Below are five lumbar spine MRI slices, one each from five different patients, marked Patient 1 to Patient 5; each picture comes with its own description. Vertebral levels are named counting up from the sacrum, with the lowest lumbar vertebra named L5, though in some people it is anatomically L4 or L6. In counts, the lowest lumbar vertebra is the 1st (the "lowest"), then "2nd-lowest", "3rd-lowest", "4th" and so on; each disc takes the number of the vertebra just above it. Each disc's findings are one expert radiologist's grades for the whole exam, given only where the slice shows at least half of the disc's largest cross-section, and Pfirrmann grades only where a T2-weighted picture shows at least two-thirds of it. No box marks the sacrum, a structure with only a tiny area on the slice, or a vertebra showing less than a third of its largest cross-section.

Patient 1 of 5:
Slice spacing 3.3 mm | Sex F | Lumbar spine MR, T1-weighted, sagittal
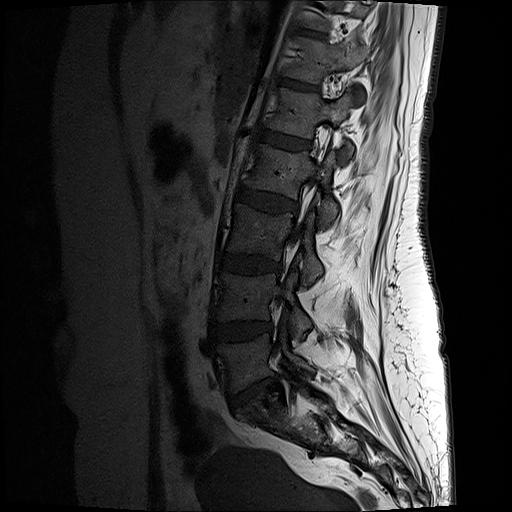
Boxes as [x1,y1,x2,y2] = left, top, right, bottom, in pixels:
Structures:
* IVD T11/T12 at [301,29,326,37]
* L4 vertebra at [218,272,310,340]
* T12 vertebra at [285,38,369,82]
* L3 vertebra at [229,204,321,285]
* IVD L2/L3 at [237,187,293,210]
* IVD L1/L2 at [258,129,310,149]
* L5 at [218,327,314,392]
* L2 vertebra at [246,144,339,223]
* L1 vertebra at [268,88,353,154]
* IVD L4/L5 at [218,322,271,340]
* T12/L1 at [281,78,318,90]
* IVD L5/S1 at [241,378,277,398]
* L3/L4 at [222,254,280,272]

Degenerative findings by level:
  L4/L5: disc bulging
  L2/L3: disc bulging
  L3/L4, L1/L2: no Modic or endplate change, herniation, narrowing, bulging or spondylolisthesis recorded

Patient 2 of 5:
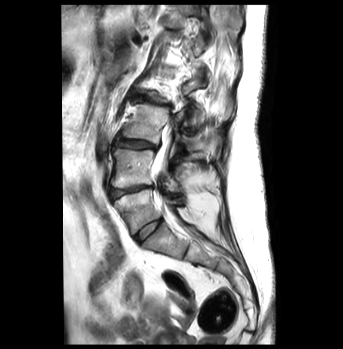 Slice 23/43; T2-weighted sagittal MRI of the lumbar spine

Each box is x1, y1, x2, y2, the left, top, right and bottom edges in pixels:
L2 (4th vertebra) = 139, 69, 232, 125.
L3 (3rd-lowest vertebra) = 121, 105, 221, 153.
Thecal sac / spinal canal = 155, 133, 171, 208.
L4/L5 (2nd-lowest disc) = 109, 186, 153, 200.
L2/L3 (4th disc) = 130, 90, 170, 106.
L5 (lowest vertebra) = 114, 190, 181, 234.
Disc L5/S1 (lowest disc) = 134, 219, 162, 241.
Disc L3/L4 (3rd-lowest disc) = 113, 135, 156, 149.
T12 (6th vertebra) = 164, 5, 214, 35.
L4 (2nd-lowest vertebra) = 111, 148, 178, 191.

Per-level radiological findings:
  L4/L5 (2nd-lowest disc): disc bulging, disc narrowing, Modic type II, lower-endplate change
  L2/L3 (4th disc): Pfirrmann grade 4, Modic type II, disc bulging, lower-endplate change, disc narrowing
  L5/S1 (lowest disc): Pfirrmann grade 1
  L3/L4 (3rd-lowest disc): Pfirrmann grade 3, Modic type II, disc bulging

Patient 3 of 5:
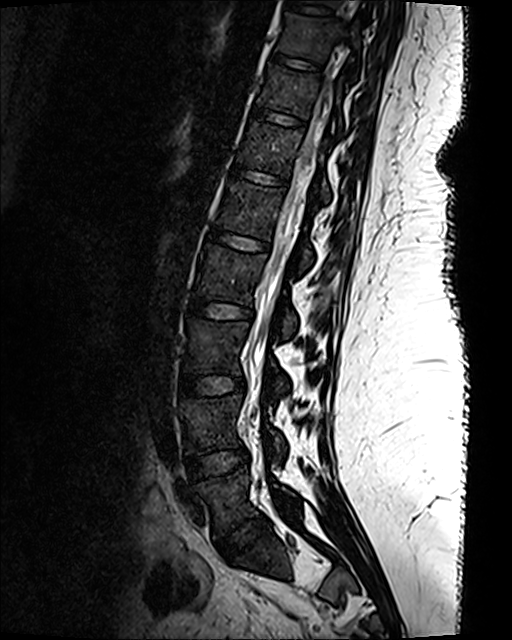

Image 512x640, T2 SPACE (3D) sagittal MRI of the lumbar spine
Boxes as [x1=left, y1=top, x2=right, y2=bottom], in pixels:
lowest disc: [x1=219, y1=515, x2=268, y2=558]
3rd-lowest disc: [x1=180, y1=374, x2=245, y2=396]
5th disc: [x1=211, y1=229, x2=267, y2=250]
lowest vertebra: [x1=194, y1=467, x2=299, y2=533]
7th disc: [x1=253, y1=107, x2=303, y2=126]
4th vertebra: [x1=196, y1=244, x2=296, y2=339]
2nd-lowest vertebra: [x1=180, y1=395, x2=286, y2=461]
thecal sac / spinal canal: [x1=254, y1=26, x2=347, y2=385]
6th disc: [x1=233, y1=165, x2=286, y2=185]
5th vertebra: [x1=217, y1=180, x2=313, y2=272]
8th vertebra: [x1=279, y1=12, x2=360, y2=71]
6th vertebra: [x1=239, y1=121, x2=329, y2=203]
7th vertebra: [x1=260, y1=65, x2=344, y2=136]
3rd-lowest vertebra: [x1=183, y1=320, x2=288, y2=397]
4th disc: [x1=190, y1=298, x2=252, y2=319]
2nd-lowest disc: [x1=187, y1=447, x2=249, y2=479]
8th disc: [x1=272, y1=52, x2=320, y2=72]

Expert MSK radiologist gradings (per disc):
  5th disc: Pfirrmann grade 1
  8th disc: Pfirrmann grade 1
  7th disc: Pfirrmann grade 1
  4th disc: Pfirrmann grade 1
  2nd-lowest disc: Pfirrmann grade 1
  6th disc: Pfirrmann grade 1
  3rd-lowest disc: Pfirrmann grade 1
  lowest disc: no herniation, bulging, narrowing, spondylolisthesis, endplate or Modic change recorded

Patient 4 of 5:
Lumbar spine MR, T2 SPACE (3D), sagittal. 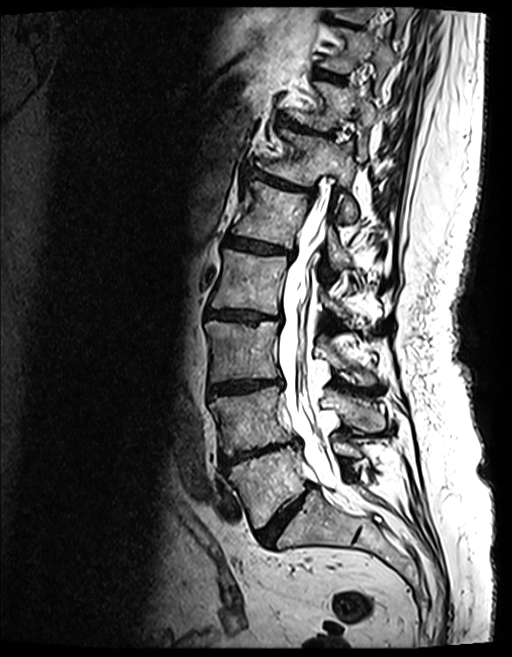 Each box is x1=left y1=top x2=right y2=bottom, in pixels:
L2/L3 (4th disc) — x1=206 y1=307 x2=282 y2=323 | L1 (5th vertebra) — x1=231 y1=181 x2=349 y2=271 | T10 (8th vertebra) — x1=323 y1=28 x2=396 y2=75 | L4 (2nd-lowest vertebra) — x1=210 y1=387 x2=382 y2=456 | intervertebral disc T9/T10 (9th disc) — x1=336 y1=20 x2=355 y2=27 | L3/L4 (3rd-lowest disc) — x1=209 y1=378 x2=281 y2=395 | intervertebral disc T12/L1 (6th disc) — x1=249 y1=170 x2=314 y2=197 | L4/L5 (2nd-lowest disc) — x1=221 y1=439 x2=298 y2=470 | intervertebral disc L5/S1 (lowest disc) — x1=256 y1=484 x2=312 y2=544 | intervertebral disc T11/T12 (7th disc) — x1=281 y1=114 x2=331 y2=137 | L5 (lowest vertebra) — x1=229 y1=440 x2=361 y2=528 | T11 (7th vertebra) — x1=294 y1=83 x2=379 y2=132 | thecal sac / spinal canal — x1=278 y1=196 x2=341 y2=489 | L2 (4th vertebra) — x1=212 y1=250 x2=343 y2=316 | T12 (6th vertebra) — x1=258 y1=129 x2=359 y2=224 | L3 (3rd-lowest vertebra) — x1=205 y1=321 x2=344 y2=381 | T9 (9th vertebra) — x1=335 y1=6 x2=408 y2=23 | T10/T11 (8th disc) — x1=317 y1=69 x2=343 y2=82 | L1/L2 (5th disc) — x1=226 y1=237 x2=292 y2=256

Degenerative findings by level:
• L1/L2 (5th disc): Pfirrmann grade 4, upper-endplate change, lower-endplate change, Modic type II, disc bulging, disc narrowing
• T12/L1 (6th disc): Pfirrmann grade 4, Modic type II, lower-endplate change, upper-endplate change, disc bulging, disc narrowing
• L3/L4 (3rd-lowest disc): Pfirrmann grade 4, disc narrowing, lower-endplate change, disc bulging, upper-endplate change, Modic type II
• L5/S1 (lowest disc): Pfirrmann grade 4, disc bulging, disc narrowing
• L4/L5 (2nd-lowest disc): Pfirrmann grade 5, disc bulging, lower-endplate change, disc narrowing, Modic type II, upper-endplate change
• T11/T12 (7th disc): Pfirrmann grade 5, lower-endplate change, upper-endplate change, Modic type II, disc narrowing, disc bulging
• L2/L3 (4th disc): Pfirrmann grade 4, disc bulging, disc narrowing, lower-endplate change, upper-endplate change, Modic type II

Patient 5 of 5:
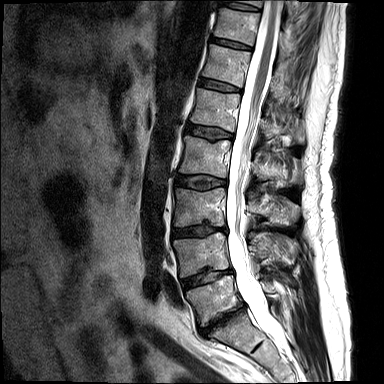 Slice 8 of 15, T2-weighted sagittal MRI of the lumbar spine

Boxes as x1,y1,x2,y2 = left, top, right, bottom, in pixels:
• L1 — 190,88,305,143
• T12 vertebra — 202,44,304,103
• spinal canal — 226,0,284,345
• intervertebral disc T11/T12 — 210,37,251,49
• L3 — 173,188,299,226
• T10 — 237,0,295,16
• intervertebral disc L2/L3 — 177,175,226,189
• T11 vertebra — 214,7,291,56
• L5 — 187,276,279,325
• T10/T11 — 219,1,260,11
• L2 — 179,136,302,185
• L1/L2 — 187,123,233,140
• intervertebral disc L5/S1 — 200,304,245,334
• T12/L1 — 200,78,241,91
• L3/L4 — 173,222,226,237
• intervertebral disc L4/L5 — 183,269,232,288
• L4 vertebra — 174,232,298,277

Per-level radiological findings:
- T10/T11: Pfirrmann grade 1
- T12/L1: Pfirrmann grade 1
- L5/S1: Pfirrmann grade 5, disc narrowing, disc bulging, upper-endplate change, lower-endplate change, Modic type II
- L4/L5: Pfirrmann grade 3, disc narrowing, upper-endplate change, Modic type II, disc bulging, lower-endplate change
- L2/L3: Pfirrmann grade 2, disc bulging
- L1/L2: Pfirrmann grade 2, disc bulging, upper-endplate change
- T11/T12: Pfirrmann grade 1
- L3/L4: Pfirrmann grade 3, disc narrowing, upper-endplate change, lower-endplate change, disc bulging